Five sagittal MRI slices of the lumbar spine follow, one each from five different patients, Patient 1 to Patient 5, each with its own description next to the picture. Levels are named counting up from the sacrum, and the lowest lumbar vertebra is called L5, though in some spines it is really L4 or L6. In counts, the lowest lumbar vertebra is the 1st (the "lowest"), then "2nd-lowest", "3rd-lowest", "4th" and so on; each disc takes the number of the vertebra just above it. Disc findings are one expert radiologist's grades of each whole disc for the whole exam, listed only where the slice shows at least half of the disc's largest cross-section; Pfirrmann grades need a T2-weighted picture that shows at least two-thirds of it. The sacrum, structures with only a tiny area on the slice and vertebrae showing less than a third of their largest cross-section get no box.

Patient 1 of 5:
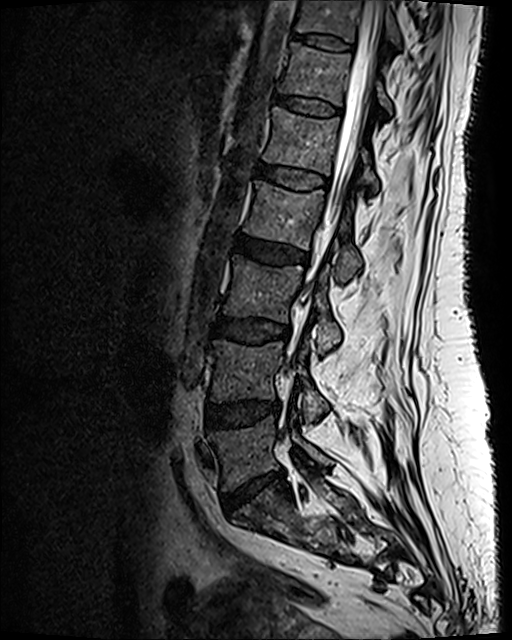 512x640 px; Lumbar spine MR, T2 SPACE (3D), sagittal; Sex F; Slice 51/120
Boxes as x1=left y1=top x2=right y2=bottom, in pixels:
L1 at x1=263 y1=107 x2=378 y2=189, L2 vertebra at x1=244 y1=180 x2=361 y2=279, L2/L3 at x1=237 y1=235 x2=309 y2=264, intervertebral disc L5/S1 at x1=223 y1=471 x2=283 y2=514, L4 at x1=211 y1=340 x2=328 y2=419, L5 at x1=210 y1=418 x2=331 y2=490, L4/L5 at x1=207 y1=401 x2=280 y2=427, T11 at x1=295 y1=0 x2=403 y2=52, thecal sac / spinal canal at x1=309 y1=0 x2=383 y2=279, T11/T12 at x1=290 y1=32 x2=353 y2=51, L3 vertebra at x1=224 y1=255 x2=340 y2=352, T12 at x1=279 y1=43 x2=392 y2=113, L1/L2 at x1=257 y1=164 x2=328 y2=189, L3/L4 at x1=215 y1=318 x2=287 y2=342, intervertebral disc T12/L1 at x1=274 y1=94 x2=341 y2=115.

Radiological gradings:
• L1/L2: Pfirrmann grade 2
• L5/S1: lower-endplate change, disc herniation, upper-endplate change, disc narrowing
• T12/L1: Pfirrmann grade 2
• L3/L4: Pfirrmann grade 3
• T11/T12: Pfirrmann grade 2
• L2/L3: Pfirrmann grade 3, disc bulging
• L4/L5: Pfirrmann grade 3, disc bulging

Patient 2 of 5:
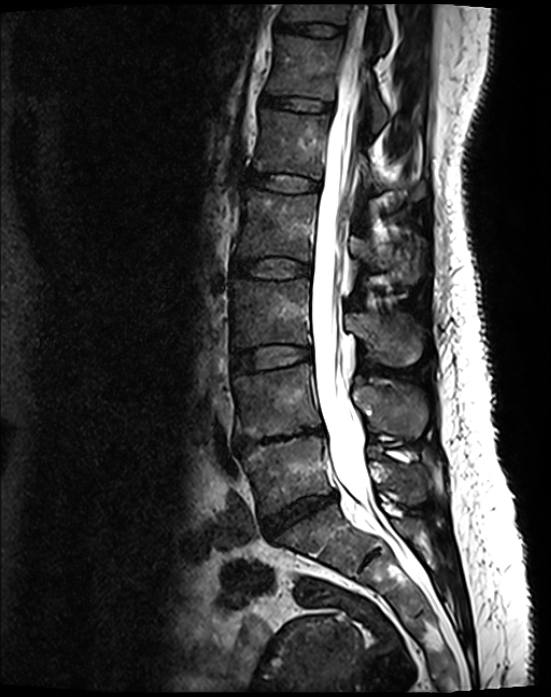 Lumbar spine MR, T2 SPACE (3D), sagittal.
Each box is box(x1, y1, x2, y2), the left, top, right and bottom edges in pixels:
L1/L2 (5th disc) at box(248, 173, 320, 191).
T11 (7th vertebra) at box(280, 3, 389, 52).
IVD L2/L3 (4th disc) at box(233, 257, 310, 278).
L2 (4th vertebra) at box(235, 191, 420, 283).
T12/L1 (6th disc) at box(263, 96, 331, 110).
IVD T11/T12 (7th disc) at box(277, 22, 342, 35).
L5/S1 (lowest disc) at box(263, 492, 337, 535).
Thecal sac / spinal canal at box(311, 21, 371, 507).
T12 (6th vertebra) at box(267, 36, 387, 132).
L4/L5 (2nd-lowest disc) at box(235, 428, 322, 450).
L3 (3rd-lowest vertebra) at box(231, 280, 422, 365).
L5 (lowest vertebra) at box(242, 435, 422, 514).
L3/L4 (3rd-lowest disc) at box(233, 346, 311, 372).
L4 (2nd-lowest vertebra) at box(235, 364, 425, 438).
L1 (5th vertebra) at box(253, 110, 425, 201).

Degenerative findings by level:
• L3/L4 (3rd-lowest disc): Pfirrmann grade 2
• T12/L1 (6th disc): Pfirrmann grade 2
• L5/S1 (lowest disc): Pfirrmann grade 4, disc bulging, disc narrowing
• L4/L5 (2nd-lowest disc): Pfirrmann grade 5, disc narrowing, disc bulging, upper-endplate change, lower-endplate change, Modic type II
• L1/L2 (5th disc): Pfirrmann grade 2
• L2/L3 (4th disc): Pfirrmann grade 2
• T11/T12 (7th disc): Pfirrmann grade 2

Patient 3 of 5:
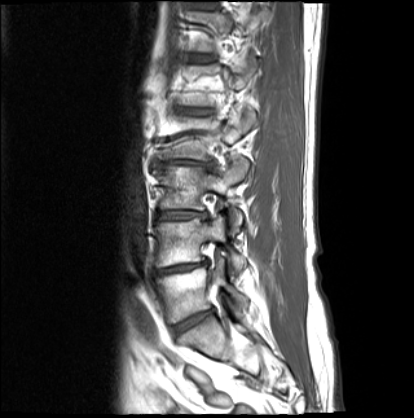

Image 414x418 | Sagittal T1-weighted lumbar spine MRI

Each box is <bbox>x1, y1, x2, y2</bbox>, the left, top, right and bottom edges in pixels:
2nd-lowest vertebra at <bbox>157, 215, 245, 274</bbox>, 4th disc at <bbox>157, 160, 203, 166</bbox>, 3rd-lowest disc at <bbox>158, 211, 206, 219</bbox>, 2nd-lowest disc at <bbox>155, 262, 206, 275</bbox>, 3rd-lowest vertebra at <bbox>155, 158, 249, 232</bbox>, 4th vertebra at <bbox>159, 112, 258, 160</bbox>, 5th disc at <bbox>182, 109, 209, 114</bbox>, lowest vertebra at <bbox>157, 259, 247, 322</bbox>, lowest disc at <bbox>173, 310, 213, 333</bbox>, 6th disc at <bbox>189, 55, 214, 61</bbox>.

Radiological gradings:
  2nd-lowest disc: lower-endplate change, upper-endplate change, Modic type II, disc bulging, disc narrowing
  3rd-lowest disc: Modic type II, disc bulging, disc narrowing
  lowest disc: Modic type II, disc bulging, disc narrowing

Patient 4 of 5:
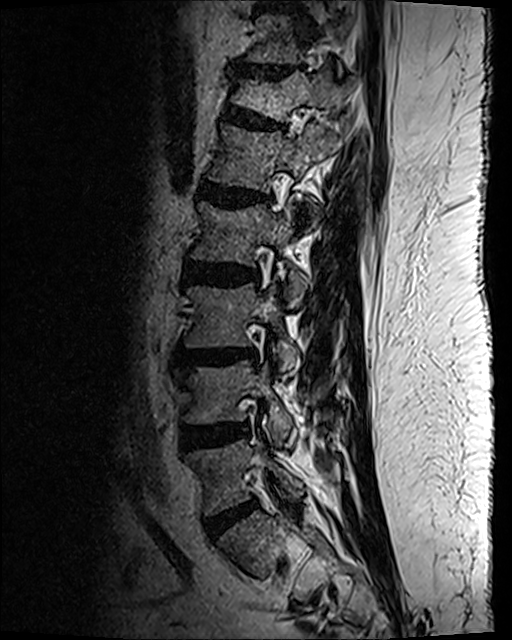 Sagittal slice index 76; Image 512x640; Lumbar spine MR, T2 SPACE (3D), sagittal
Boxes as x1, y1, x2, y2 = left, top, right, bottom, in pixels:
IVD T12/L1 — 224, 106, 283, 130 | IVD L5/S1 — 204, 500, 257, 539 | IVD L1/L2 — 198, 182, 268, 208 | IVD L4/L5 — 182, 426, 247, 450 | T12 — 231, 72, 351, 122 | L5 vertebra — 189, 441, 303, 514 | T11/T12 — 237, 65, 291, 78 | L1 vertebra — 208, 126, 336, 193 | L3 vertebra — 186, 281, 298, 380 | L4 vertebra — 183, 363, 295, 443 | L2 vertebra — 192, 201, 305, 308 | T11 vertebra — 247, 17, 346, 75 | L3/L4 — 181, 351, 256, 367 | L2/L3 — 183, 261, 259, 287

Expert MSK radiologist gradings (per disc):
• L1/L2: Pfirrmann grade 3, upper-endplate change, Modic type II, disc bulging, disc narrowing, lower-endplate change
• T12/L1: Pfirrmann grade 2, disc bulging, upper-endplate change, spondylolisthesis, lower-endplate change
• L4/L5: disc bulging, disc narrowing
• L2/L3: Pfirrmann grade 3, disc bulging, lower-endplate change
• L3/L4: disc bulging, lower-endplate change, upper-endplate change, Modic type II
• T11/T12: disc narrowing, upper-endplate change, lower-endplate change, disc bulging

Patient 5 of 5:
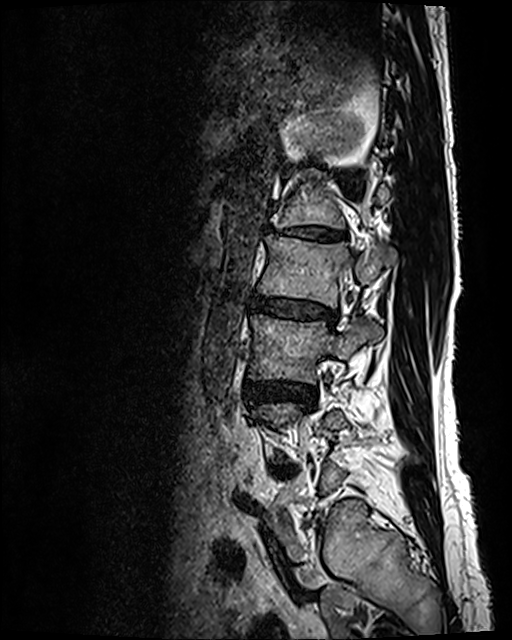
MRI lumbar spine (T2 SPACE (3D)), sagittal plane
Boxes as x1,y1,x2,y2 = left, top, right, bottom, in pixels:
L3 vertebra at 250,314,383,383; intervertebral disc L3/L4 at 246,381,314,403; L2 at 258,235,396,307; L1/L2 at 265,225,346,240; L2/L3 at 251,295,337,325; L1 vertebra at 276,169,389,228.

Degenerative findings by level:
- L1/L2: Pfirrmann grade 5, disc bulging, disc narrowing, Modic type II, lower-endplate change, upper-endplate change
- L3/L4: Pfirrmann grade 3, disc bulging
- L2/L3: Pfirrmann grade 3, disc narrowing, disc bulging